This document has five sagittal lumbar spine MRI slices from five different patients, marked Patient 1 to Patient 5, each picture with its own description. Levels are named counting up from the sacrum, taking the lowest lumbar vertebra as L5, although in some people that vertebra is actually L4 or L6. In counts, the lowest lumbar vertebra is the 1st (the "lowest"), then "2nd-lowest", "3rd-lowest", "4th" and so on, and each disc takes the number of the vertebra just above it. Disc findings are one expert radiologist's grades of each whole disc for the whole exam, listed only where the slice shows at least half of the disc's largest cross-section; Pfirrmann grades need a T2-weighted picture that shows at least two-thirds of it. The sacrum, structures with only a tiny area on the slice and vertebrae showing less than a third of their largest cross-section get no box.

Patient 1 of 5:
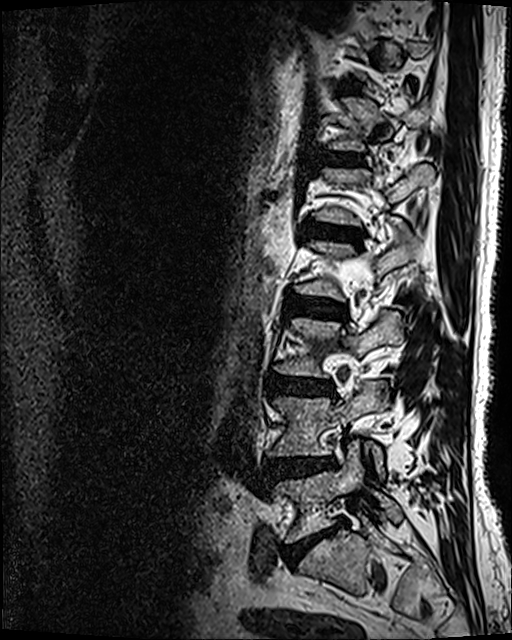
Patient sex: M. T2 SPACE (3D) sagittal MRI of the lumbar spine. Slice 86/120.

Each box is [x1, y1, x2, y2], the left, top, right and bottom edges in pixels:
Annotations:
* lowest disc at [283, 520, 346, 565]
* lowest vertebra at [276, 447, 402, 542]
* 4th disc at [287, 293, 346, 320]
* 3rd-lowest disc at [267, 373, 332, 394]
* 5th disc at [305, 221, 361, 243]
* 6th disc at [325, 154, 362, 165]
* 2nd-lowest vertebra at [269, 381, 387, 476]
* 3rd-lowest vertebra at [275, 310, 402, 376]
* 7th disc at [342, 86, 355, 91]
* 2nd-lowest disc at [265, 455, 333, 482]

Expert MSK radiologist gradings (per disc):
- 2nd-lowest disc: disc bulging, disc herniation
- 5th disc: Pfirrmann grade 4, upper-endplate change, Modic type II, disc narrowing, disc bulging, lower-endplate change
- 3rd-lowest disc: Modic type II, lower-endplate change, disc bulging, disc narrowing
- 4th disc: disc bulging

Patient 2 of 5:
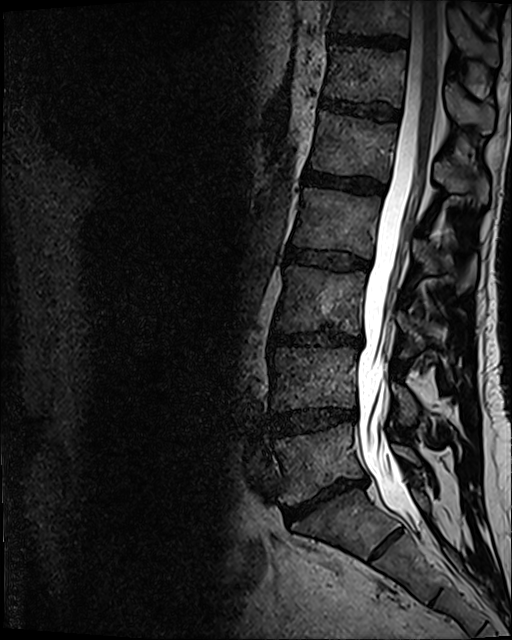 Slice 61/120. Lumbar spine MR, T2 SPACE (3D), sagittal.
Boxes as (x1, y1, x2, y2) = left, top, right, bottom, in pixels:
Annotations:
• 3rd-lowest disc: (274, 330, 361, 346)
• 2nd-lowest vertebra: (271, 347, 417, 424)
• 4th vertebra: (293, 187, 475, 293)
• lowest vertebra: (275, 424, 420, 504)
• 6th disc: (322, 98, 399, 119)
• lowest disc: (284, 476, 367, 520)
• 7th vertebra: (331, 0, 500, 67)
• 7th disc: (329, 33, 405, 50)
• thecal sac / spinal canal: (358, 1, 442, 528)
• 6th vertebra: (324, 45, 494, 135)
• 5th disc: (304, 170, 384, 194)
• 2nd-lowest disc: (272, 408, 357, 435)
• 3rd-lowest vertebra: (278, 266, 425, 357)
• 4th disc: (288, 249, 368, 270)
• 5th vertebra: (311, 111, 488, 204)

Radiological gradings:
• 4th disc: Pfirrmann grade 3, disc bulging
• 2nd-lowest disc: Pfirrmann grade 3, disc narrowing, disc bulging
• lowest disc: Pfirrmann grade 5, disc bulging, disc narrowing, Modic type II
• 6th disc: Pfirrmann grade 3
• 3rd-lowest disc: Pfirrmann grade 4, disc narrowing, disc bulging, lower-endplate change
• 5th disc: Pfirrmann grade 4
• 7th disc: Pfirrmann grade 4

Patient 3 of 5:
Slice 64 of 122; T2 SPACE (3D) sagittal MRI of the lumbar spine

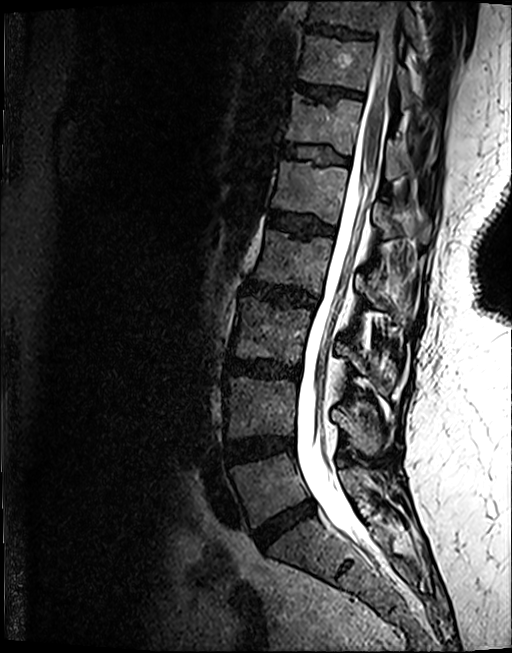

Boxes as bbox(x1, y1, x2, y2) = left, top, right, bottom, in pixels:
L4 at bbox(225, 377, 379, 455); disc T12/L1 at bbox(282, 143, 349, 163); T12 vertebra at bbox(285, 93, 408, 178); disc T10/T11 at bbox(307, 24, 372, 37); L4/L5 at bbox(224, 435, 293, 462); spinal canal at bbox(297, 1, 398, 548); disc T11/T12 at bbox(294, 81, 362, 99); disc L2/L3 at bbox(244, 280, 316, 307); L3 vertebra at bbox(230, 296, 395, 394); T10 at bbox(309, 0, 418, 43); L3/L4 at bbox(227, 360, 300, 377); L1/L2 at bbox(268, 210, 333, 236); L2 vertebra at bbox(252, 228, 411, 320); L1 at bbox(271, 160, 430, 243); L5 at bbox(229, 452, 384, 527); disc L5/S1 at bbox(254, 501, 314, 547); T11 vertebra at bbox(300, 33, 412, 105).

Radiological gradings:
- L2/L3: Pfirrmann grade 4, lower-endplate change, disc bulging, upper-endplate change
- L5/S1: Pfirrmann grade 4, disc bulging, disc narrowing
- T10/T11: Pfirrmann grade 4, upper-endplate change, lower-endplate change
- L3/L4: Pfirrmann grade 4, disc bulging, upper-endplate change, lower-endplate change, Modic type II, disc narrowing
- L1/L2: Pfirrmann grade 4, Modic type II, lower-endplate change, upper-endplate change
- T11/T12: Pfirrmann grade 4, upper-endplate change
- T12/L1: Pfirrmann grade 3, lower-endplate change, upper-endplate change
- L4/L5: Pfirrmann grade 4, disc bulging, Modic type II, lower-endplate change

Patient 4 of 5:
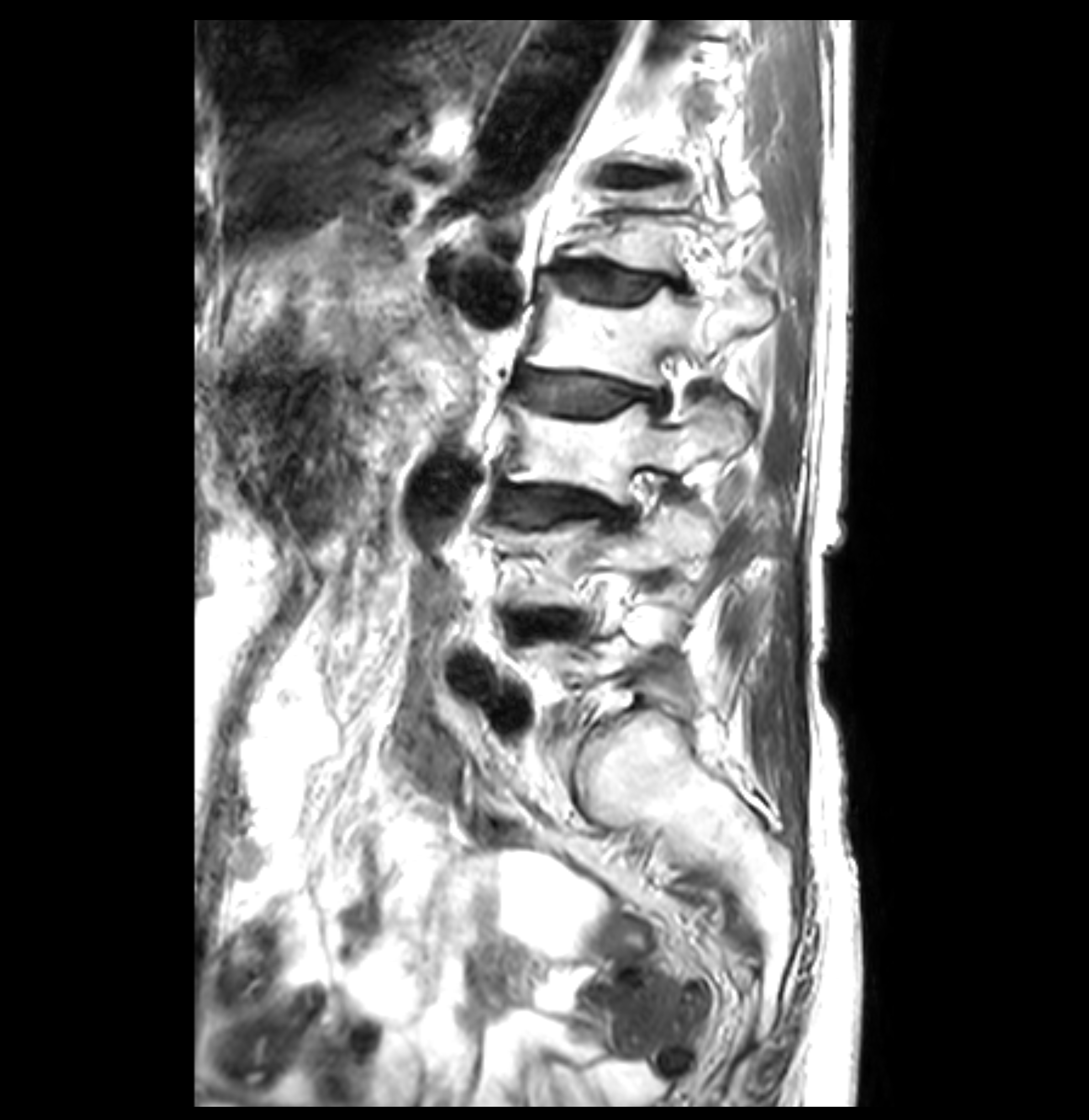 Lumbar spine MR, T2-weighted, sagittal | 1089x1120 px

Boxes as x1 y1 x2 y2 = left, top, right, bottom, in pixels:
Segmented structures:
* disc L3/L4 (3rd-lowest disc): 496 487 629 522
* L3 (3rd-lowest vertebra): 503 396 746 499
* disc L1/L2 (5th disc): 552 262 688 302
* L4 (2nd-lowest vertebra): 501 503 710 608
* disc L2/L3 (4th disc): 513 370 666 412
* L1 (5th vertebra): 564 185 763 275
* L4/L5 (2nd-lowest disc): 510 613 561 628
* L2 (4th vertebra): 523 275 770 386
* disc T12/L1 (6th disc): 603 169 653 183

Per-level radiological findings:
• L1/L2 (5th disc): upper-endplate change, Modic type II, disc bulging, lower-endplate change
• L2/L3 (4th disc): Pfirrmann grade 3, disc narrowing, upper-endplate change, lower-endplate change, disc bulging, Modic type II
• L3/L4 (3rd-lowest disc): Pfirrmann grade 4, upper-endplate change, disc bulging, lower-endplate change, disc narrowing, Modic type II

Patient 5 of 5:
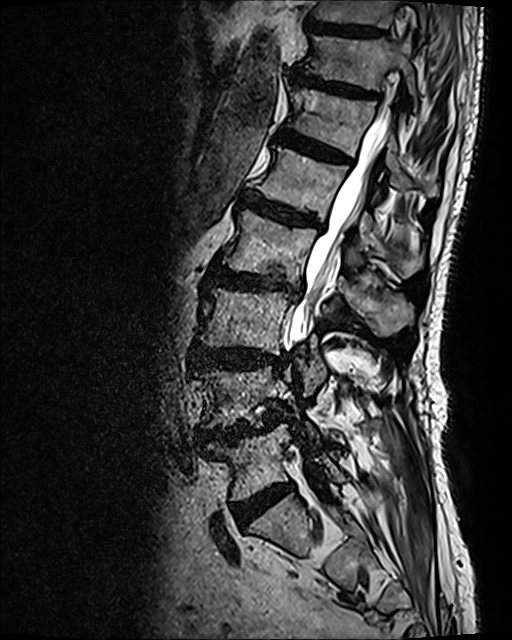

Patient sex: M | Field of view 240x300 mm, slice spacing 0.9 mm | MRI lumbar spine (T2 SPACE (3D)), sagittal plane | Sagittal slice index 75

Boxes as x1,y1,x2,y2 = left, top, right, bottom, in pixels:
L3 (3rd-lowest vertebra) = 197,286,327,396 | L4/L5 (2nd-lowest disc) = 198,425,266,442 | disc L1/L2 (5th disc) = 241,192,320,230 | L2 (4th vertebra) = 222,209,413,335 | disc T12/L1 (6th disc) = 277,127,350,162 | disc T11/T12 (7th disc) = 291,68,379,98 | L2/L3 (4th disc) = 210,266,302,297 | T11 (7th vertebra) = 304,36,416,108 | L3/L4 (3rd-lowest disc) = 191,345,281,369 | spinal canal = 289,30,403,346 | L4 (2nd-lowest vertebra) = 196,367,315,434 | T10 (8th vertebra) = 311,0,427,44 | disc T10/T11 (8th disc) = 304,22,385,39 | L5 (lowest vertebra) = 209,424,345,499 | disc L5/S1 (lowest disc) = 233,483,293,525 | L1 (5th vertebra) = 255,146,423,276 | T12 (6th vertebra) = 288,87,437,196

Degenerative findings by level:
• L3/L4 (3rd-lowest disc): Pfirrmann grade 4, disc bulging, upper-endplate change, lower-endplate change
• T11/T12 (7th disc): Pfirrmann grade 4, upper-endplate change, disc bulging, lower-endplate change
• T12/L1 (6th disc): Pfirrmann grade 4, upper-endplate change, Modic type II, disc bulging, lower-endplate change
• L1/L2 (5th disc): Pfirrmann grade 4, Modic type II, upper-endplate change, disc bulging, lower-endplate change
• L2/L3 (4th disc): Pfirrmann grade 4, lower-endplate change, Modic type I, disc narrowing, disc bulging, upper-endplate change
• T10/T11 (8th disc): Pfirrmann grade 3
• L5/S1 (lowest disc): no herniation, bulging, narrowing, spondylolisthesis, endplate or Modic change recorded